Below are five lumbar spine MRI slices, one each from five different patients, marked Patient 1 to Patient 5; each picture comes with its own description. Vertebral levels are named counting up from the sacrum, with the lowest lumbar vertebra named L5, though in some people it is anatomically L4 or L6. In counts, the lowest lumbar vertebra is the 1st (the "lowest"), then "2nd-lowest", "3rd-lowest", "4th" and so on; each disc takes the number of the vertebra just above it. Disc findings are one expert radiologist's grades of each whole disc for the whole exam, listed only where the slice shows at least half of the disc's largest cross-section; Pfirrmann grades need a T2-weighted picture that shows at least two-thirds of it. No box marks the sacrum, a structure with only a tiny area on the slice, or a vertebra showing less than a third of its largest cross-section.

Patient 1 of 5:
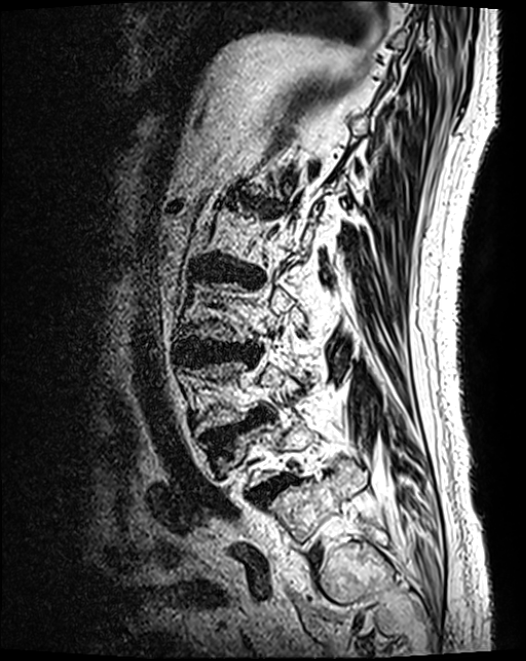 Field of view 240x302 mm, slice spacing 0.9 mm. Lumbar spine MR, T2 SPACE (3D), sagittal.
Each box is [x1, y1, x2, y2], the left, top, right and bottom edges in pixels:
L5 (lowest vertebra): [234, 421, 313, 488]
IVD L3/L4 (3rd-lowest disc): [185, 345, 238, 361]
L5/S1 (lowest disc): [252, 479, 288, 503]
L4/L5 (2nd-lowest disc): [213, 417, 256, 439]
IVD L2/L3 (4th disc): [206, 266, 237, 275]

Patient 2 of 5:
Slice spacing 3.3 mm. Patient sex: F. MRI lumbar spine (T2-weighted), sagittal plane.

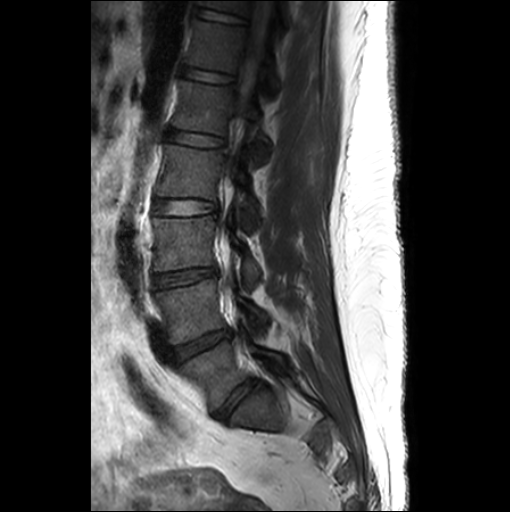 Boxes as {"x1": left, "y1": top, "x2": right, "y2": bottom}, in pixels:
L4/L5 (2nd-lowest disc) at {"x1": 171, "y1": 328, "x2": 231, "y2": 364}.
L2 (4th vertebra) at {"x1": 157, "y1": 144, "x2": 257, "y2": 230}.
L3 (3rd-lowest vertebra) at {"x1": 152, "y1": 216, "x2": 259, "y2": 286}.
IVD L3/L4 (3rd-lowest disc) at {"x1": 152, "y1": 266, "x2": 217, "y2": 288}.
T11 (7th vertebra) at {"x1": 197, "y1": 0, "x2": 287, "y2": 29}.
T11/T12 (7th disc) at {"x1": 193, "y1": 5, "x2": 248, "y2": 24}.
L5/S1 (lowest disc) at {"x1": 213, "y1": 380, "x2": 256, "y2": 419}.
T12 (6th vertebra) at {"x1": 185, "y1": 18, "x2": 278, "y2": 95}.
L1/L2 (5th disc) at {"x1": 166, "y1": 129, "x2": 225, "y2": 146}.
L1 (5th vertebra) at {"x1": 172, "y1": 80, "x2": 269, "y2": 161}.
Thecal sac / spinal canal at {"x1": 241, "y1": 0, "x2": 273, "y2": 97}.
L2/L3 (4th disc) at {"x1": 154, "y1": 199, "x2": 216, "y2": 215}.
L4 (2nd-lowest vertebra) at {"x1": 155, "y1": 279, "x2": 265, "y2": 344}.
IVD T12/L1 (6th disc) at {"x1": 180, "y1": 65, "x2": 234, "y2": 82}.
L5 (lowest vertebra) at {"x1": 180, "y1": 340, "x2": 286, "y2": 410}.

Degenerative findings by level:
  L5/S1 (lowest disc): disc bulging
  L2/L3 (4th disc): Pfirrmann grade 1
  L1/L2 (5th disc): Pfirrmann grade 1
  T11/T12 (7th disc): Pfirrmann grade 1
  T12/L1 (6th disc): Pfirrmann grade 1
  L4/L5 (2nd-lowest disc): Pfirrmann grade 3, disc bulging, disc narrowing
  L3/L4 (3rd-lowest disc): Pfirrmann grade 3, disc narrowing, disc bulging

Patient 3 of 5:
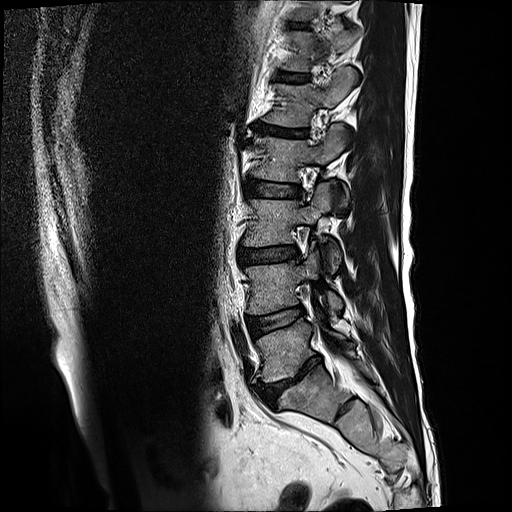
Image 512x512 | Sagittal slice index 3 | Lumbar spine MR, T2-weighted, sagittal
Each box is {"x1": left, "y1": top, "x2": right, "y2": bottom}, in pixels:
7th disc — {"x1": 294, "y1": 23, "x2": 308, "y2": 29}.
4th disc — {"x1": 245, "y1": 179, "x2": 301, "y2": 197}.
3rd-lowest disc — {"x1": 239, "y1": 246, "x2": 299, "y2": 265}.
6th vertebra — {"x1": 282, "y1": 29, "x2": 361, "y2": 71}.
Lowest vertebra — {"x1": 256, "y1": 318, "x2": 353, "y2": 381}.
2nd-lowest disc — {"x1": 248, "y1": 306, "x2": 303, "y2": 334}.
4th vertebra — {"x1": 252, "y1": 124, "x2": 346, "y2": 205}.
6th disc — {"x1": 278, "y1": 72, "x2": 309, "y2": 81}.
5th disc — {"x1": 256, "y1": 126, "x2": 307, "y2": 137}.
5th vertebra — {"x1": 263, "y1": 66, "x2": 357, "y2": 126}.
3rd-lowest vertebra — {"x1": 243, "y1": 182, "x2": 340, "y2": 271}.
Lowest disc — {"x1": 257, "y1": 356, "x2": 320, "y2": 405}.
2nd-lowest vertebra — {"x1": 245, "y1": 249, "x2": 342, "y2": 314}.

Per-level radiological findings:
• 3rd-lowest disc: Pfirrmann grade 3, upper-endplate change, disc bulging, lower-endplate change
• 2nd-lowest disc: Pfirrmann grade 3, Modic type II
• lowest disc: Pfirrmann grade 5, lower-endplate change, disc bulging, disc narrowing, Modic type II, upper-endplate change
• 4th disc: Pfirrmann grade 3
• 6th disc: no spondylolisthesis, narrowing, bulging, herniation, Modic or endplate change recorded

Patient 4 of 5:
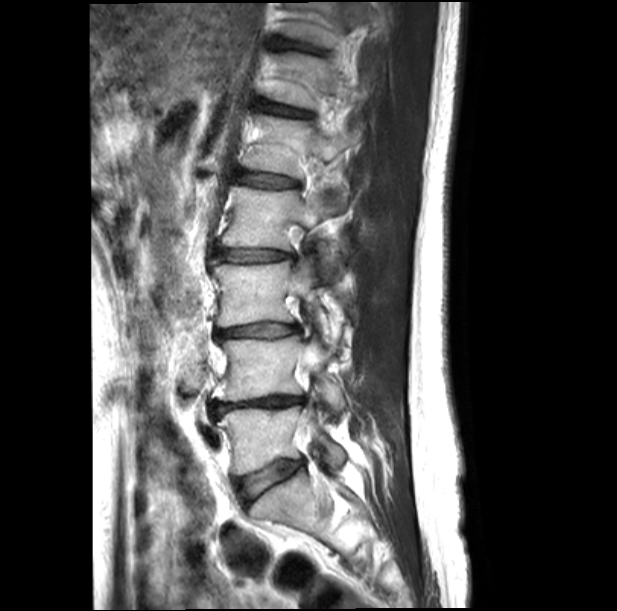 Sex M | Image 617x611 | Sagittal slice index 8 | Sagittal T2-weighted lumbar spine MRI

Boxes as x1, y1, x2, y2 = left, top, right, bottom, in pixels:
L4 vertebra = 213, 334, 346, 414.
L3/L4 = 216, 323, 300, 340.
L3 = 213, 256, 340, 343.
L2/L3 = 216, 248, 291, 262.
L1/L2 = 234, 171, 297, 188.
L1 = 242, 114, 361, 178.
Intervertebral disc L5/S1 = 237, 460, 303, 503.
L2 vertebra = 222, 187, 346, 275.
T12/L1 = 257, 100, 311, 117.
Intervertebral disc L4/L5 = 211, 396, 303, 414.
T12 = 268, 52, 333, 110.
Intervertebral disc T11/T12 = 278, 39, 324, 55.
L5 vertebra = 217, 407, 346, 475.

Radiological gradings:
  L1/L2: Pfirrmann grade 3, disc bulging, lower-endplate change, upper-endplate change
  L2/L3: Pfirrmann grade 3, disc bulging, lower-endplate change, upper-endplate change
  L3/L4: Pfirrmann grade 3, upper-endplate change, lower-endplate change, disc narrowing, disc bulging
  L4/L5: Pfirrmann grade 5, upper-endplate change, disc bulging, lower-endplate change, disc narrowing
  T12/L1: upper-endplate change, lower-endplate change, disc narrowing, disc bulging
  L5/S1: Pfirrmann grade 2, disc bulging

Patient 5 of 5:
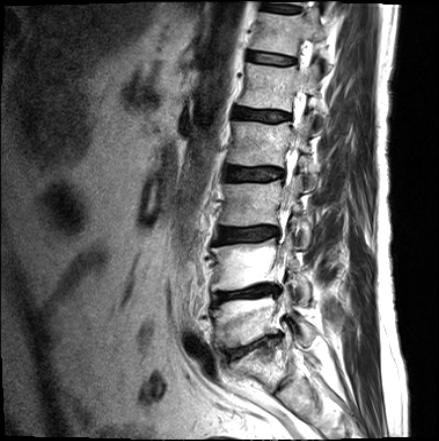 Lumbar spine MR, T2-weighted, sagittal. Image 439x441. Sex M.
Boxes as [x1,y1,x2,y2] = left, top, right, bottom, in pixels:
Structures:
• L3/L4 — [214,226,278,243]
• L4 vertebra — [211,232,311,303]
• L3 vertebra — [220,173,311,248]
• L5 vertebra — [211,286,315,349]
• L2 vertebra — [227,113,316,190]
• L1 vertebra — [239,62,325,127]
• L2/L3 — [225,167,283,180]
• IVD T12/L1 — [249,52,294,64]
• L1/L2 — [234,107,289,121]
• T12 — [250,9,326,65]
• IVD L4/L5 — [213,285,278,305]
• L5/S1 — [225,335,281,359]
• IVD T11/T12 — [264,3,299,12]

Per-level radiological findings:
• L5/S1: upper-endplate change, Modic type II, lower-endplate change, disc narrowing, disc bulging
• L3/L4: Pfirrmann grade 3, disc bulging, upper-endplate change, lower-endplate change
• L1/L2: Pfirrmann grade 3, upper-endplate change, lower-endplate change
• L2/L3: Pfirrmann grade 3, lower-endplate change, upper-endplate change
• L4/L5: Pfirrmann grade 5, disc narrowing, lower-endplate change, upper-endplate change, disc bulging, Modic type II
• T12/L1: Pfirrmann grade 2, lower-endplate change, upper-endplate change
• T11/T12: no spondylolisthesis, narrowing, bulging, herniation, Modic or endplate change recorded